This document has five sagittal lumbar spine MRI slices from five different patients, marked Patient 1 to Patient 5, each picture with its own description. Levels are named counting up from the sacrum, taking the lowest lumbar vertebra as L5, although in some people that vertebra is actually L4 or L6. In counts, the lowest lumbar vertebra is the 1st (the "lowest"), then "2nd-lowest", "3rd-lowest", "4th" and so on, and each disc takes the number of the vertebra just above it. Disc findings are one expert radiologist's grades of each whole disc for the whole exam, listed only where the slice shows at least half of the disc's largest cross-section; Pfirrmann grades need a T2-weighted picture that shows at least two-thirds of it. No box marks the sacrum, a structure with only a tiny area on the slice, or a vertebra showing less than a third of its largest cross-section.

Patient 1 of 5:
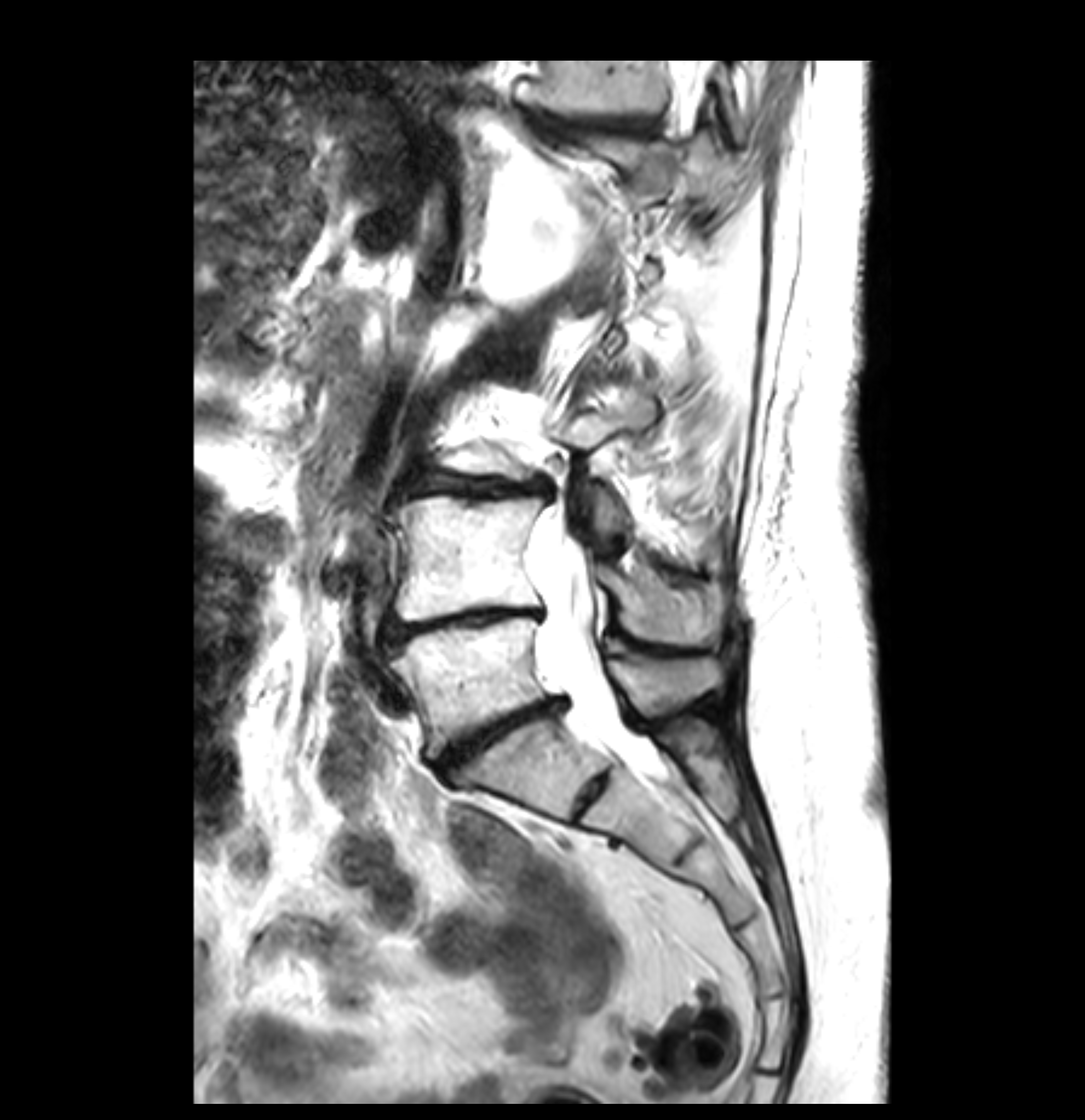 Lumbar spine MR, T2-weighted, sagittal, Patient sex: F, Field of view 280x289 mm, slice spacing 3.4 mm
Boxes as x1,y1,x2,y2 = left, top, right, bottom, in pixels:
lowest vertebra: 390,616,721,758
spinal canal: 535,63,699,781
lowest disc: 438,696,569,774
3rd-lowest disc: 417,470,554,499
7th disc: 559,118,644,131
2nd-lowest disc: 385,608,547,646
2nd-lowest vertebra: 390,495,719,644
7th vertebra: 537,59,746,145

Degenerative findings by level:
• 2nd-lowest disc: Modic type II, upper-endplate change, disc bulging, lower-endplate change, disc narrowing
• 3rd-lowest disc: Pfirrmann grade 5, lower-endplate change, upper-endplate change, disc narrowing, Modic type II, disc bulging
• lowest disc: Pfirrmann grade 5, disc herniation, disc bulging, upper-endplate change, disc narrowing, lower-endplate change, Modic type II

Patient 2 of 5:
Sagittal T1-weighted lumbar spine MRI. Sex F. Slice 18/21.
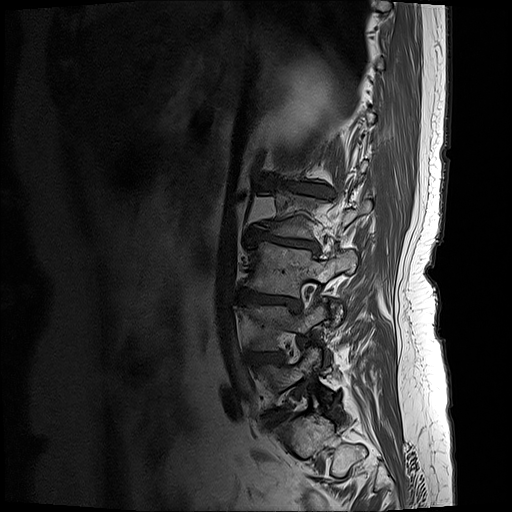
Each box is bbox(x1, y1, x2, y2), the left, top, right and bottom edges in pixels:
L3 at bbox(246, 243, 356, 318); L4 vertebra at bbox(239, 305, 326, 348); L4/L5 at bbox(249, 354, 281, 362); L3/L4 at bbox(235, 291, 299, 310); IVD L2/L3 at bbox(246, 230, 317, 252); L1/L2 at bbox(283, 183, 325, 194).

Per-level radiological findings:
  L1/L2: disc bulging, Modic type II, disc narrowing, upper-endplate change, lower-endplate change
  L2/L3: disc bulging, upper-endplate change, lower-endplate change, Modic type II, disc narrowing
  L3/L4: disc bulging, lower-endplate change, Modic type II, disc narrowing, upper-endplate change

Patient 3 of 5:
T1-weighted sagittal MRI of the lumbar spine | Slice 6 of 24 | 448x448 px 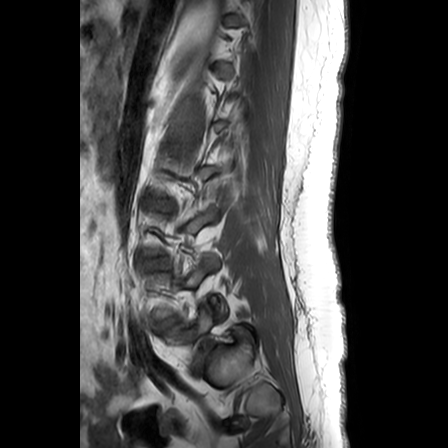

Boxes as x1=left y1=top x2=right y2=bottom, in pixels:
Structures:
* 3rd-lowest disc: x1=150 y1=259 x2=165 y2=268
* lowest vertebra: x1=166 y1=308 x2=215 y2=360
* lowest disc: x1=196 y1=341 x2=216 y2=370
* 2nd-lowest disc: x1=159 y1=317 x2=176 y2=328

Patient 4 of 5:
Sagittal slice index 0 | Scanner: SIEMENS Aera (1.5T) | Lumbar spine MR, T2-weighted, sagittal 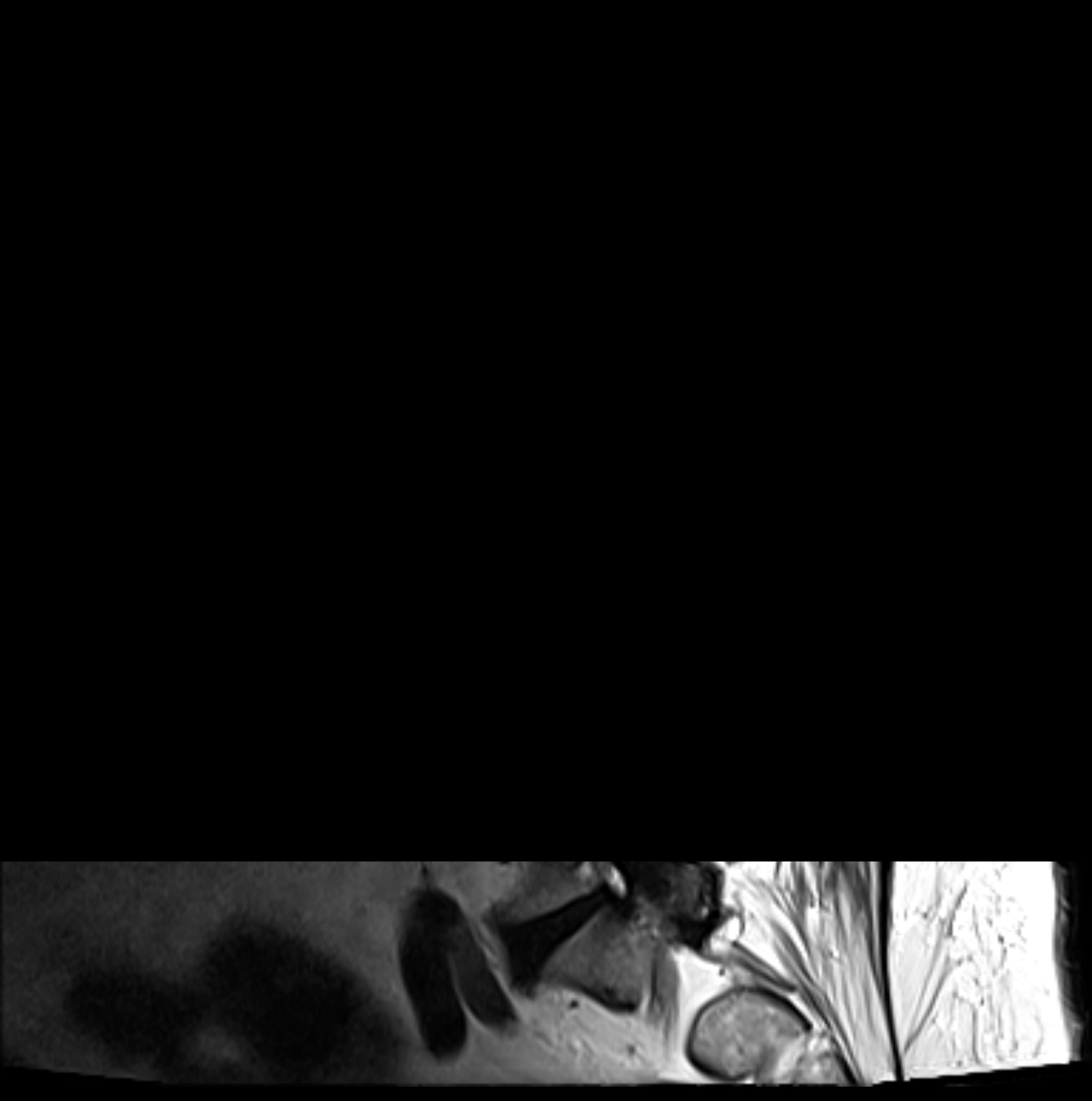
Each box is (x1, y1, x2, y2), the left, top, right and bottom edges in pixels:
lowest disc at (552, 921, 571, 939) | lowest vertebra at (512, 774, 702, 906)

Patient 5 of 5:
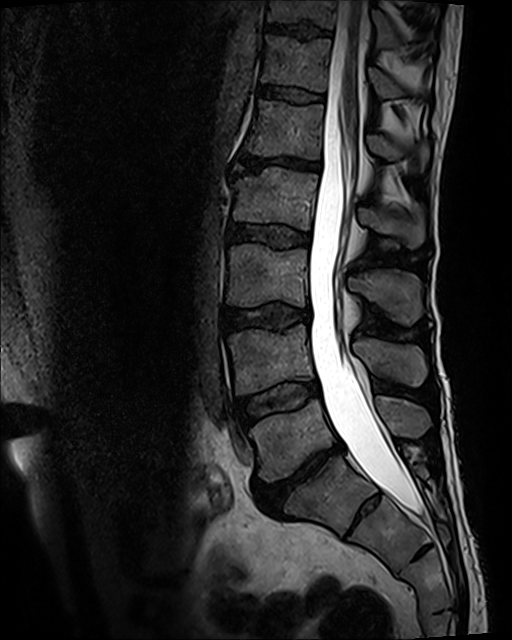

Patient sex: M | Lumbar spine MR, T2 SPACE (3D), sagittal

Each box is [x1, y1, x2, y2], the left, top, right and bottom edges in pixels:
* L4 (2nd-lowest vertebra): [228, 324, 426, 395]
* L5 (lowest vertebra): [250, 396, 430, 481]
* disc T12/L1 (6th disc): [258, 81, 322, 102]
* L1 (5th vertebra): [245, 100, 428, 171]
* spinal canal: [308, 0, 421, 514]
* L2 (4th vertebra): [231, 167, 424, 248]
* disc L3/L4 (3rd-lowest disc): [224, 307, 310, 330]
* disc L1/L2 (5th disc): [232, 153, 319, 175]
* L3 (3rd-lowest vertebra): [226, 244, 424, 324]
* T11 (7th vertebra): [268, 0, 399, 46]
* disc L2/L3 (4th disc): [229, 223, 310, 247]
* disc L4/L5 (2nd-lowest disc): [240, 382, 318, 425]
* disc L5/S1 (lowest disc): [256, 442, 343, 510]
* T12 (6th vertebra): [261, 35, 402, 97]
* T11/T12 (7th disc): [267, 23, 329, 38]

Per-level radiological findings:
- L1/L2 (5th disc): Pfirrmann grade 5, lower-endplate change, disc narrowing, Modic type II, disc bulging, upper-endplate change
- T12/L1 (6th disc): Pfirrmann grade 3
- L5/S1 (lowest disc): Pfirrmann grade 5, disc narrowing, disc bulging, upper-endplate change, Modic type II, lower-endplate change
- L2/L3 (4th disc): Pfirrmann grade 3
- T11/T12 (7th disc): Pfirrmann grade 3, lower-endplate change, upper-endplate change
- L3/L4 (3rd-lowest disc): Pfirrmann grade 3, lower-endplate change, upper-endplate change, disc bulging
- L4/L5 (2nd-lowest disc): Pfirrmann grade 3, Modic type II